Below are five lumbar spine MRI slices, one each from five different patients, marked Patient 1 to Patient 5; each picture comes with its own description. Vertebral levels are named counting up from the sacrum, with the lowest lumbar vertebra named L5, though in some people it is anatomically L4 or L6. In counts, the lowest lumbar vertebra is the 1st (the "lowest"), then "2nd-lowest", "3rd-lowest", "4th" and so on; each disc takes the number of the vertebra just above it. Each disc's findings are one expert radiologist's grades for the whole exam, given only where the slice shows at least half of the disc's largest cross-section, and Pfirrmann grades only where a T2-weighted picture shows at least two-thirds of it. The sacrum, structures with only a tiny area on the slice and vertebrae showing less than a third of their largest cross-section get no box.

Patient 1 of 5:
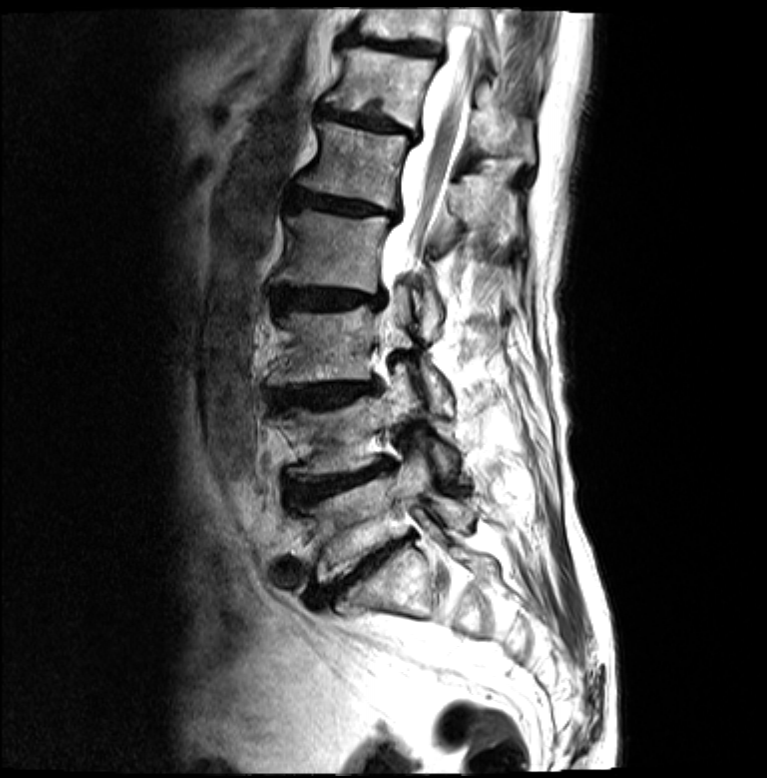 Sagittal T2-weighted lumbar spine MRI, Image 767x778

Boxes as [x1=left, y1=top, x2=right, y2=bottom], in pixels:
{"T12 vertebra": "[x1=323, y1=49, x2=536, y2=163]", "L1/L2": "[x1=291, y1=191, x2=398, y2=222]", "L1 vertebra": "[x1=297, y1=123, x2=522, y2=250]", "intervertebral disc T12/L1": "[x1=321, y1=105, x2=418, y2=141]", "L5/S1": "[x1=335, y1=540, x2=406, y2=591]", "L5": "[x1=299, y1=451, x2=474, y2=575]", "L3 vertebra": "[x1=268, y1=290, x2=450, y2=408]", "intervertebral disc L3/L4": "[x1=270, y1=383, x2=374, y2=410]", "T11 vertebra": "[x1=357, y1=9, x2=498, y2=62]", "T11/T12": "[x1=347, y1=38, x2=444, y2=61]", "thecal sac / spinal canal": "[x1=383, y1=10, x2=476, y2=290]", "L2/L3": "[x1=274, y1=287, x2=382, y2=310]", "L2 vertebra": "[x1=280, y1=210, x2=442, y2=336]", "L4": "[x1=274, y1=368, x2=456, y2=476]", "L4/L5": "[x1=288, y1=459, x2=390, y2=504]"}

Expert MSK radiologist gradings (per disc):
• L2/L3: Pfirrmann grade 4, upper-endplate change, disc narrowing, Modic type II, disc bulging, lower-endplate change
• T11/T12: Pfirrmann grade 5, Modic type II, disc narrowing, disc bulging, lower-endplate change, upper-endplate change
• L3/L4: Modic type II, upper-endplate change, lower-endplate change, disc bulging
• L4/L5: Pfirrmann grade 4, lower-endplate change, Modic type II, upper-endplate change, disc narrowing, disc bulging
• L1/L2: Pfirrmann grade 5, disc bulging, lower-endplate change, upper-endplate change, disc narrowing, Modic type II
• T12/L1: Pfirrmann grade 5, upper-endplate change, Modic type II, lower-endplate change, disc bulging, disc narrowing

Patient 2 of 5:
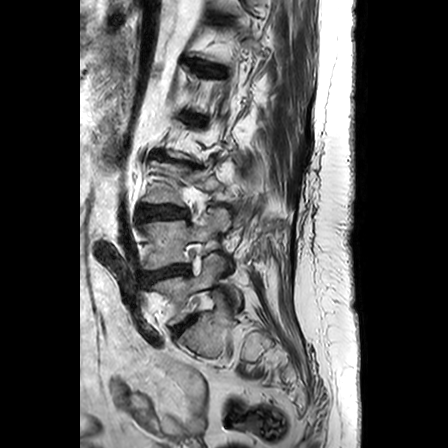 Sex F | Lumbar spine MR, T2-weighted, sagittal | Field of view 280x280 mm

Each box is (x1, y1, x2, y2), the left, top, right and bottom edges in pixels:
Structures:
* lowest disc at (175, 316, 195, 332)
* 3rd-lowest disc at (140, 206, 186, 218)
* 2nd-lowest vertebra at (141, 209, 230, 269)
* 6th disc at (195, 62, 222, 75)
* lowest vertebra at (152, 253, 241, 323)
* 2nd-lowest disc at (146, 265, 188, 281)
* 4th disc at (151, 151, 200, 168)

Expert MSK radiologist gradings (per disc):
  6th disc: disc narrowing
  3rd-lowest disc: Pfirrmann grade 3, disc bulging
  2nd-lowest disc: Pfirrmann grade 4, disc bulging, disc narrowing
  4th disc: Modic type II, disc bulging, disc narrowing, spondylolisthesis

Patient 3 of 5:
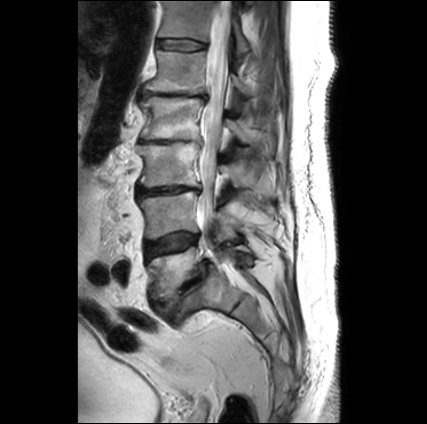 Slice 14/30; Lumbar spine MR, T2-weighted, sagittal
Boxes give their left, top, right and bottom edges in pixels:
Structures:
• L4: left=139, top=191, right=236, bottom=239
• L4/L5: left=145, top=232, right=198, bottom=257
• intervertebral disc L3/L4: left=137, top=186, right=202, bottom=196
• L2/L3: left=139, top=140, right=188, bottom=142
• L1/L2: left=140, top=88, right=206, bottom=101
• L1: left=145, top=50, right=250, bottom=96
• spinal canal: left=197, top=1, right=232, bottom=265
• L2 vertebra: left=139, top=96, right=258, bottom=146
• T12 vertebra: left=158, top=1, right=249, bottom=54
• T12/L1: left=157, top=39, right=205, bottom=50
• L3 vertebra: left=137, top=141, right=249, bottom=187
• L5/S1: left=153, top=260, right=209, bottom=317
• L5 vertebra: left=147, top=243, right=252, bottom=300

Per-level radiological findings:
• L4/L5: Pfirrmann grade 3, Modic type II
• L5/S1: Pfirrmann grade 5, upper-endplate change, lower-endplate change, disc narrowing, Modic type II, disc bulging, spondylolisthesis
• L3/L4: Pfirrmann grade 5, disc bulging, lower-endplate change, upper-endplate change, Modic type II, disc narrowing
• L1/L2: Pfirrmann grade 5, lower-endplate change, disc herniation, disc narrowing, disc bulging, upper-endplate change, Modic type II
• T12/L1: Pfirrmann grade 2

Patient 4 of 5:
658x664 px; MRI lumbar spine (T2-weighted), sagittal plane
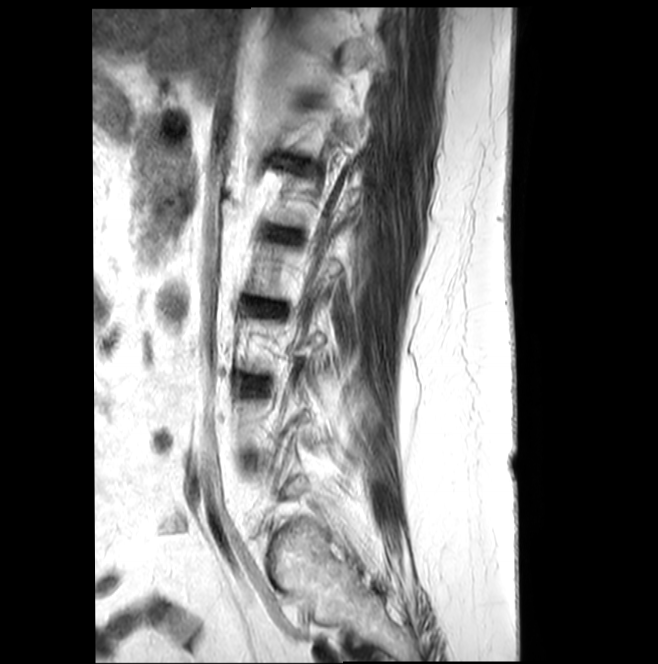

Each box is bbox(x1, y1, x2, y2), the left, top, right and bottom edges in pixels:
• IVD L2/L3: bbox(251, 300, 279, 314)
• L1/L2: bbox(271, 227, 297, 241)

Patient 5 of 5:
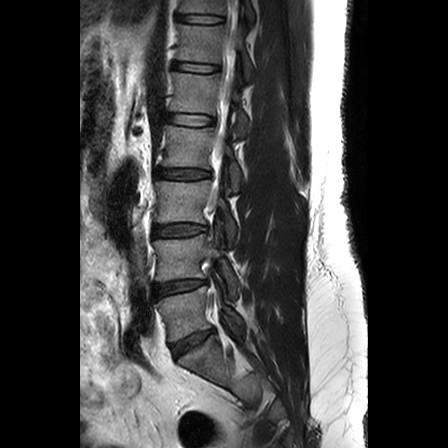 MRI lumbar spine (T2-weighted), sagittal plane; Field of view 280x280 mm
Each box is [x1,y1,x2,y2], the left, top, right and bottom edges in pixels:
Structures:
• 6th vertebra = [177,24,253,79]
• 7th disc = [177,15,221,23]
• 7th vertebra = [180,0,254,20]
• 6th disc = [174,62,217,72]
• 3rd-lowest vertebra = [155,180,235,244]
• 4th vertebra = [162,125,241,190]
• lowest vertebra = [157,286,242,342]
• 2nd-lowest disc = [155,280,205,296]
• 3rd-lowest disc = [153,224,205,237]
• 2nd-lowest vertebra = [154,232,238,296]
• spinal canal = [215,36,234,157]
• 4th disc = [155,168,209,179]
• lowest disc = [172,329,213,357]
• 5th vertebra = [169,72,249,134]
• 5th disc = [162,113,212,125]

Expert MSK radiologist gradings (per disc):
- 7th disc: Pfirrmann grade 1
- 5th disc: Pfirrmann grade 1
- 2nd-lowest disc: Pfirrmann grade 2
- lowest disc: disc bulging
- 3rd-lowest disc: Pfirrmann grade 2
- 4th disc: Pfirrmann grade 2, disc bulging
- 6th disc: Pfirrmann grade 1